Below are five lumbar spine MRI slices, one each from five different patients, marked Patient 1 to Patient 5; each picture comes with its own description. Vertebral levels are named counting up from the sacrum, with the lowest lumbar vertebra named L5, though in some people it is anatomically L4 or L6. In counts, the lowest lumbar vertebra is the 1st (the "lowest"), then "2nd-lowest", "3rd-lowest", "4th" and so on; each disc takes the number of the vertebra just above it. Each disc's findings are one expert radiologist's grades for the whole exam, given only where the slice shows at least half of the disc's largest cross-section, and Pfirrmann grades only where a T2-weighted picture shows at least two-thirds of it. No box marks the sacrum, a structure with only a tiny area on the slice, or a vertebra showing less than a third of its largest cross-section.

Patient 1 of 5:
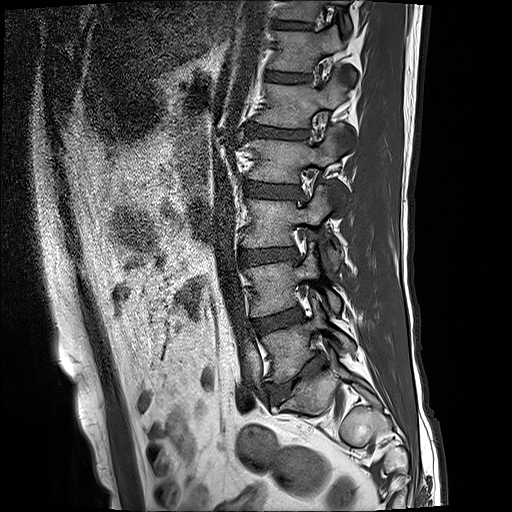 MRI lumbar spine (T1-weighted), sagittal plane, Patient sex: M
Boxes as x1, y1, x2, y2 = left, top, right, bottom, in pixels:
{"L2": "246, 127, 349, 183", "T12/L1": "268, 71, 309, 83", "L1/L2": "246, 125, 307, 140", "L1 vertebra": "257, 74, 349, 127", "T12": "270, 26, 345, 72", "IVD L2/L3": "246, 182, 300, 198", "IVD L4/L5": "254, 309, 302, 333", "T11/T12": "278, 22, 312, 29", "L4 vertebra": "247, 252, 341, 317", "L3/L4": "242, 246, 296, 265", "L3": "244, 186, 339, 269", "L5": "262, 302, 354, 381", "IVD L5/S1": "266, 354, 326, 401"}

Per-level radiological findings:
- L3/L4: upper-endplate change, disc bulging, lower-endplate change
- T11/T12: upper-endplate change, lower-endplate change
- L5/S1: upper-endplate change, disc narrowing, Modic type II, lower-endplate change, disc bulging
- L1/L2: lower-endplate change, disc bulging, Modic type II, disc narrowing, upper-endplate change
- T12/L1, L2/L3: no herniation, bulging, narrowing, spondylolisthesis, endplate or Modic change recorded

Patient 2 of 5:
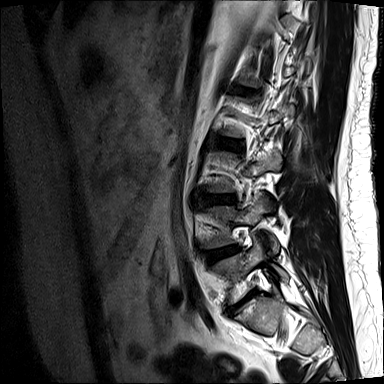 MRI lumbar spine (T2-weighted), sagittal plane, 384x384 px, Slice 3/15, Field of view 280x280 mm, slice spacing 4.8 mm
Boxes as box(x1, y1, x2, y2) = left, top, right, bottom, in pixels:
Annotations:
* L4: box(206, 196, 277, 253)
* IVD L4/L5: box(207, 246, 236, 263)
* IVD L3/L4: box(205, 196, 233, 204)
* L5: box(212, 238, 287, 303)
* IVD L2/L3: box(222, 140, 233, 147)
* L5/S1: box(237, 290, 256, 305)

Radiological gradings:
  L5/S1: upper-endplate change, disc bulging, Modic type II, lower-endplate change, disc narrowing

Patient 3 of 5:
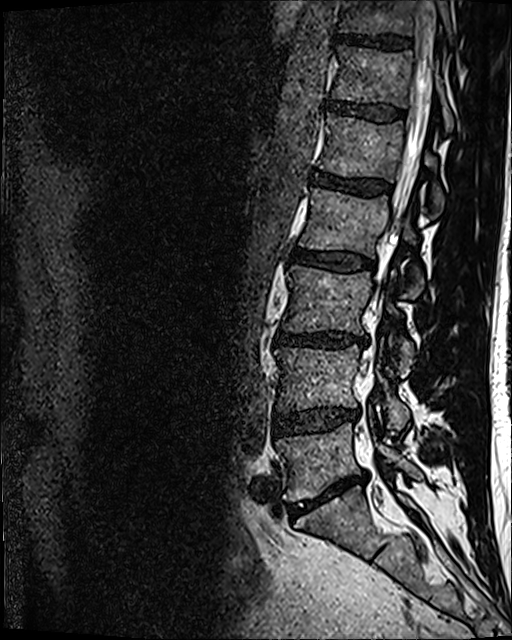

Patient sex: M; Image 512x640; MRI lumbar spine (T2 SPACE (3D)), sagittal plane

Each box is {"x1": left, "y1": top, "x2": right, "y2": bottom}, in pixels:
L5 = {"x1": 276, "y1": 424, "x2": 422, "y2": 501}.
L4 = {"x1": 275, "y1": 343, "x2": 409, "y2": 432}.
Intervertebral disc L3/L4 = {"x1": 275, "y1": 332, "x2": 365, "y2": 347}.
Intervertebral disc L4/L5 = {"x1": 274, "y1": 407, "x2": 359, "y2": 432}.
L2 vertebra = {"x1": 300, "y1": 188, "x2": 424, "y2": 297}.
T12 vertebra = {"x1": 332, "y1": 45, "x2": 453, "y2": 131}.
L1 = {"x1": 320, "y1": 113, "x2": 442, "y2": 214}.
T11 = {"x1": 338, "y1": 0, "x2": 454, "y2": 46}.
Thecal sac / spinal canal = {"x1": 367, "y1": 1, "x2": 435, "y2": 359}.
L3 vertebra = {"x1": 284, "y1": 265, "x2": 413, "y2": 374}.
Intervertebral disc T11/T12 = {"x1": 334, "y1": 34, "x2": 412, "y2": 51}.
Intervertebral disc T12/L1 = {"x1": 329, "y1": 103, "x2": 405, "y2": 120}.
Intervertebral disc L2/L3 = {"x1": 293, "y1": 249, "x2": 374, "y2": 271}.
Intervertebral disc L5/S1 = {"x1": 288, "y1": 474, "x2": 362, "y2": 515}.
Intervertebral disc L1/L2 = {"x1": 311, "y1": 171, "x2": 391, "y2": 196}.

Per-level radiological findings:
- T12/L1: Pfirrmann grade 3
- T11/T12: Pfirrmann grade 4
- L5/S1: Pfirrmann grade 5, disc narrowing, Modic type II, disc bulging
- L3/L4: Pfirrmann grade 4, disc bulging, lower-endplate change, disc narrowing
- L4/L5: Pfirrmann grade 3, disc bulging, disc narrowing
- L1/L2: Pfirrmann grade 4
- L2/L3: Pfirrmann grade 3, disc bulging

Patient 4 of 5:
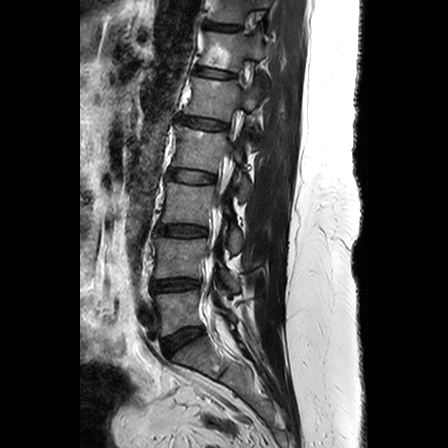 Lumbar spine MR, T2-weighted, sagittal.
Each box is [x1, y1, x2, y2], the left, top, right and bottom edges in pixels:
T12/L1 (6th disc) at [196, 67, 232, 77], L2 (4th vertebra) at [173, 124, 252, 199], disc T11/T12 (7th disc) at [204, 22, 240, 30], disc L2/L3 (4th disc) at [168, 169, 215, 183], L5 (lowest vertebra) at [154, 290, 236, 335], disc L3/L4 (3rd-lowest disc) at [157, 225, 206, 236], L4/L5 (2nd-lowest disc) at [152, 279, 200, 291], T11 (7th vertebra) at [209, 0, 269, 23], L4 (2nd-lowest vertebra) at [152, 237, 242, 292], L1/L2 (5th disc) at [177, 115, 226, 130], T12 (6th vertebra) at [199, 31, 268, 81], L5/S1 (lowest disc) at [163, 327, 203, 355], L1 (5th vertebra) at [184, 73, 261, 147], L3 (3rd-lowest vertebra) at [162, 182, 242, 252].

Degenerative findings by level:
  L3/L4 (3rd-lowest disc): Pfirrmann grade 3, upper-endplate change
  T12/L1 (6th disc): Pfirrmann grade 2
  L5/S1 (lowest disc): Pfirrmann grade 3
  L1/L2 (5th disc): Pfirrmann grade 3, disc bulging, Modic type II, upper-endplate change
  T11/T12 (7th disc): Pfirrmann grade 2
  L4/L5 (2nd-lowest disc): Pfirrmann grade 3, disc narrowing
  L2/L3 (4th disc): Pfirrmann grade 2

Patient 5 of 5:
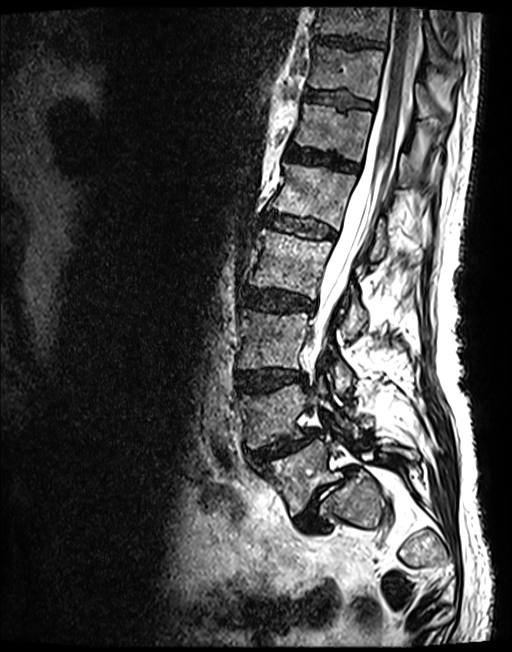 Field of view 240x306 mm | T2 SPACE (3D) sagittal MRI of the lumbar spine
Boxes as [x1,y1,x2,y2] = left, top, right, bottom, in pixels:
Annotations:
• L5 vertebra — [256,440,418,515]
• IVD L5/S1 — [295,466,355,531]
• L3/L4 — [235,369,304,393]
• L4/L5 — [251,430,318,461]
• T12/L1 — [287,146,357,172]
• IVD L1/L2 — [263,213,333,237]
• thecal sac / spinal canal — [308,7,420,365]
• L1 — [269,163,432,257]
• L2/L3 — [242,288,313,311]
• L3 vertebra — [238,309,353,392]
• T11 — [310,47,452,123]
• L4 vertebra — [236,385,362,449]
• T12 vertebra — [294,104,439,193]
• T10 vertebra — [316,7,462,77]
• L2 — [249,230,368,329]
• T11/T12 — [305,91,372,108]
• IVD T10/T11 — [315,34,384,49]

Degenerative findings by level:
  L1/L2: Pfirrmann grade 3
  T10/T11: Pfirrmann grade 3
  L2/L3: Pfirrmann grade 3, disc bulging
  T11/T12: Pfirrmann grade 3
  L3/L4: Pfirrmann grade 3, disc bulging, upper-endplate change, lower-endplate change
  T12/L1: Pfirrmann grade 3
  L5/S1: Pfirrmann grade 5, disc narrowing, Modic type II, disc herniation, spondylolisthesis